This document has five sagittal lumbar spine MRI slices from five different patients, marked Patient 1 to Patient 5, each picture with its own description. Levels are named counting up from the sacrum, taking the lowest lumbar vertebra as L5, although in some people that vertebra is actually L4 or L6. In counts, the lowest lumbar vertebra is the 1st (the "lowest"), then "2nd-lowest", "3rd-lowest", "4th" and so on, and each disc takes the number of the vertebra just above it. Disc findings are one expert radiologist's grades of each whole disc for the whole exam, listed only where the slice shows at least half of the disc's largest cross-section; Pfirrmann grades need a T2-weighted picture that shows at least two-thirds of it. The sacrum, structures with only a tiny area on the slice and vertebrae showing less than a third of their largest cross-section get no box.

Patient 1 of 5:
T2-weighted sagittal MRI of the lumbar spine, Slice 13 of 22, Image 619x611

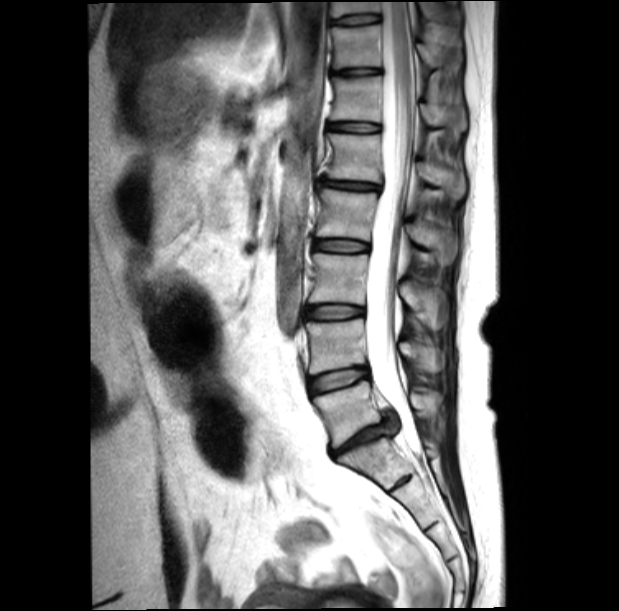
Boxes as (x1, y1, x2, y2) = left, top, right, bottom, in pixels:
IVD T11/T12: (334, 68, 379, 76).
L3/L4: (308, 305, 363, 319).
L2/L3: (314, 240, 368, 251).
T12: (331, 76, 467, 131).
T11: (331, 24, 462, 69).
IVD L5/S1: (333, 413, 399, 455).
Spinal canal: (365, 1, 420, 456).
T10 vertebra: (331, 1, 460, 24).
L1: (326, 133, 465, 198).
T12/L1: (329, 122, 379, 132).
IVD L4/L5: (310, 367, 368, 394).
L3 vertebra: (310, 253, 448, 329).
L5 vertebra: (313, 380, 439, 447).
T10/T11: (333, 14, 381, 25).
L4 vertebra: (306, 319, 444, 373).
L2 vertebra: (316, 188, 457, 259).
L1/L2: (321, 179, 378, 190).

Expert MSK radiologist gradings (per disc):
- T10/T11: Pfirrmann grade 2
- L5/S1: Pfirrmann grade 5, disc narrowing, disc herniation
- L2/L3: Pfirrmann grade 2
- T11/T12: Pfirrmann grade 2, upper-endplate change
- L4/L5: Pfirrmann grade 2, disc bulging
- T12/L1: Pfirrmann grade 2
- L3/L4: Pfirrmann grade 2
- L1/L2: Pfirrmann grade 1, disc narrowing, disc bulging

Patient 2 of 5:
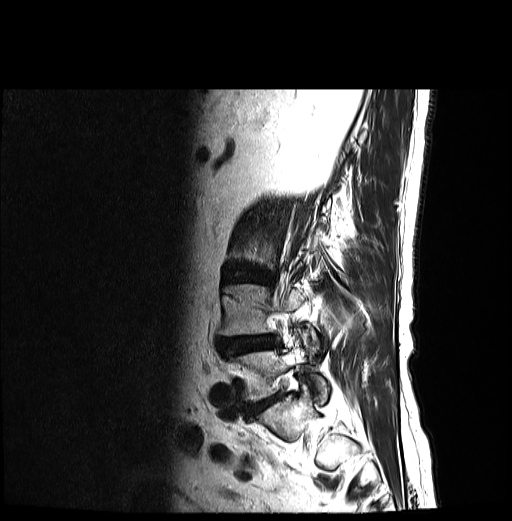
Lumbar spine MR, T2-weighted, sagittal | Slice 25 of 30
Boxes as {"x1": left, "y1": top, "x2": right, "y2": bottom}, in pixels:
Segmented structures:
• lowest disc: {"x1": 248, "y1": 395, "x2": 280, "y2": 415}
• 3rd-lowest disc: {"x1": 236, "y1": 273, "x2": 262, "y2": 280}
• lowest vertebra: {"x1": 234, "y1": 341, "x2": 329, "y2": 404}
• 2nd-lowest disc: {"x1": 219, "y1": 335, "x2": 279, "y2": 354}
• 2nd-lowest vertebra: {"x1": 219, "y1": 284, "x2": 303, "y2": 335}

Radiological gradings:
- 2nd-lowest disc: Pfirrmann grade 4, spondylolisthesis, upper-endplate change, Modic type II, disc herniation, disc narrowing, disc bulging, lower-endplate change

Patient 3 of 5:
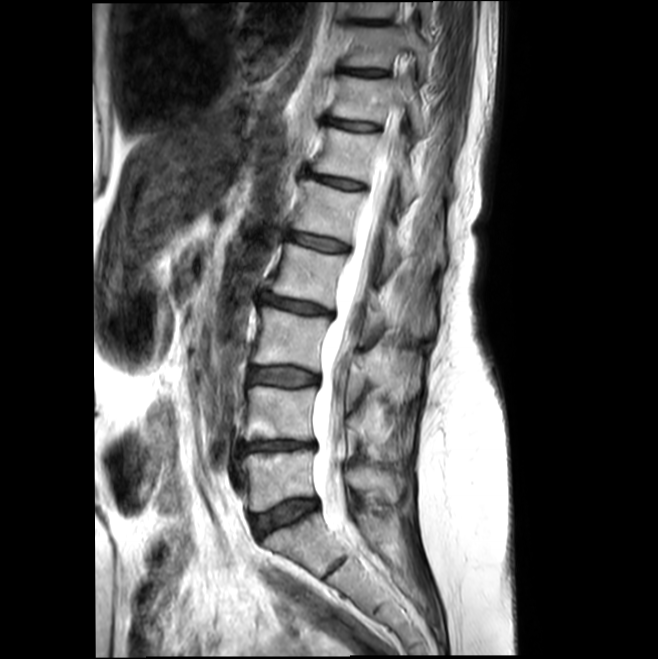 MRI lumbar spine (T2-weighted), sagittal plane | Field of view 308x308 mm, slice spacing 4.4 mm

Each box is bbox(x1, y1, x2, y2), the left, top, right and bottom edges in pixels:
• 3rd-lowest disc at bbox(250, 368, 319, 386)
• 5th disc at bbox(291, 233, 350, 251)
• 3rd-lowest vertebra at bbox(251, 306, 418, 396)
• 9th vertebra at bbox(355, 2, 432, 19)
• 7th vertebra at bbox(332, 76, 425, 136)
• 5th vertebra at bbox(293, 181, 442, 273)
• 4th disc at bbox(264, 293, 335, 318)
• 6th vertebra at bbox(314, 128, 417, 207)
• 8th disc at bbox(344, 70, 385, 76)
• thecal sac / spinal canal at bbox(312, 107, 401, 535)
• 4th vertebra at bbox(271, 244, 428, 336)
• 2nd-lowest vertebra at bbox(242, 386, 404, 457)
• 7th disc at bbox(328, 119, 380, 130)
• 6th disc at bbox(314, 175, 366, 190)
• 2nd-lowest disc at bbox(242, 441, 315, 450)
• lowest vertebra at bbox(241, 449, 401, 511)
• lowest disc at bbox(251, 499, 316, 537)
• 8th vertebra at bbox(344, 26, 427, 79)

Degenerative findings by level:
  5th disc: Pfirrmann grade 2
  6th disc: Pfirrmann grade 2
  2nd-lowest disc: Pfirrmann grade 3, disc bulging, Modic type II, upper-endplate change, lower-endplate change
  8th disc: Pfirrmann grade 2
  3rd-lowest disc: Pfirrmann grade 2, Modic type II, disc bulging
  7th disc: Pfirrmann grade 2
  lowest disc: Pfirrmann grade 2, disc bulging
  4th disc: Pfirrmann grade 2, disc bulging

Patient 4 of 5:
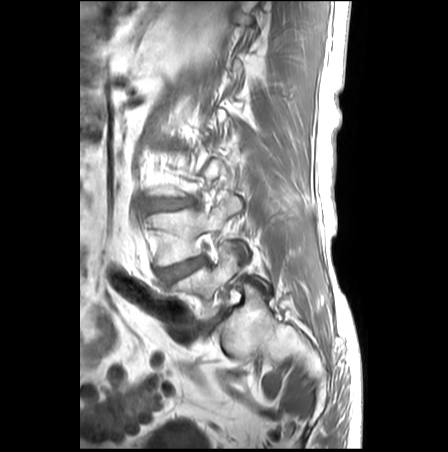 MRI lumbar spine (T1-weighted), sagittal plane, Sex M, Image 448x452
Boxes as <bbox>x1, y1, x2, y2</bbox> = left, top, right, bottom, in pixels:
Annotations:
- L5 vertebra = <bbox>172, 243, 270, 321</bbox>
- IVD L5/S1 = <bbox>202, 311, 225, 331</bbox>
- IVD L4/L5 = <bbox>159, 255, 206, 282</bbox>
- IVD L3/L4 = <bbox>149, 198, 193, 210</bbox>
- L4 = <bbox>148, 197, 249, 266</bbox>

Expert MSK radiologist gradings (per disc):
- L4/L5: disc bulging
- L3/L4: disc bulging, disc narrowing

Patient 5 of 5:
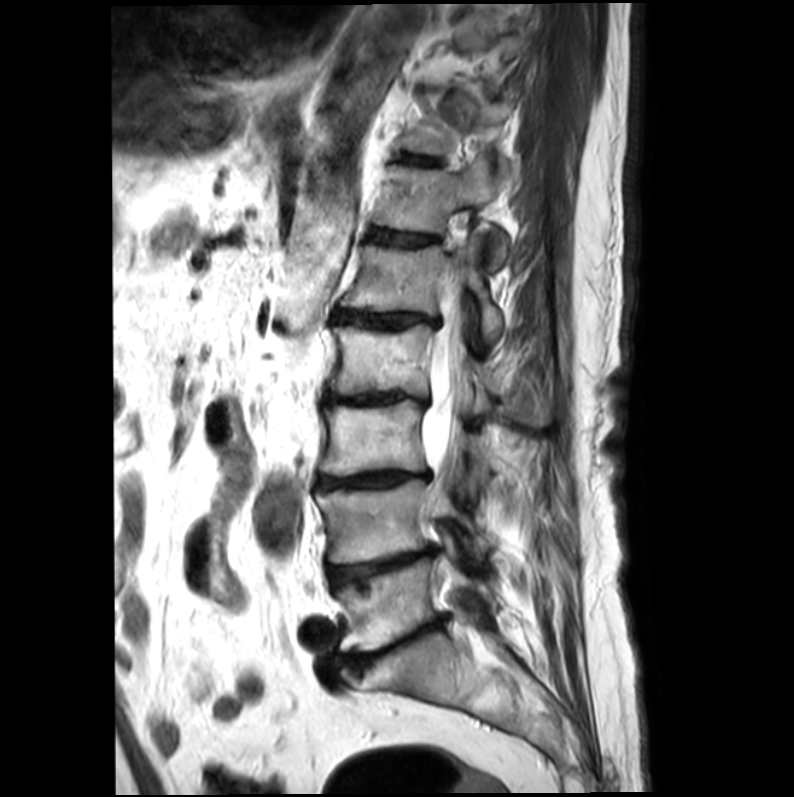 Lumbar spine MR, T2-weighted, sagittal; Slice 13/21; Slice spacing 4.4 mm

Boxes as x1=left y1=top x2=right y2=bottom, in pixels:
IVD T11/T12 (7th disc) = x1=401 y1=156 x2=435 y2=164.
L5 (lowest vertebra) = x1=337 y1=556 x2=495 y2=651.
T11 (7th vertebra) = x1=402 y1=100 x2=511 y2=166.
IVD T12/L1 (6th disc) = x1=369 y1=229 x2=435 y2=247.
L2 (4th vertebra) = x1=326 y1=323 x2=551 y2=426.
L2/L3 (4th disc) = x1=323 y1=393 x2=427 y2=408.
L3/L4 (3rd-lowest disc) = x1=315 y1=470 x2=427 y2=490.
T12 (6th vertebra) = x1=374 y1=156 x2=511 y2=268.
IVD L4/L5 (2nd-lowest disc) = x1=329 y1=548 x2=434 y2=587.
Spinal canal = x1=420 y1=294 x2=471 y2=489.
L3 (3rd-lowest vertebra) = x1=319 y1=399 x2=501 y2=480.
L5/S1 (lowest disc) = x1=346 y1=621 x2=438 y2=668.
L1 (5th vertebra) = x1=340 y1=231 x2=501 y2=340.
L4 (2nd-lowest vertebra) = x1=315 y1=478 x2=493 y2=563.
L1/L2 (5th disc) = x1=334 y1=311 x2=440 y2=329.

Degenerative findings by level:
• L4/L5 (2nd-lowest disc): upper-endplate change, disc narrowing, disc bulging, lower-endplate change, Modic type II
• L1/L2 (5th disc): Pfirrmann grade 4, upper-endplate change, lower-endplate change, disc bulging, disc narrowing, Modic type II
• L5/S1 (lowest disc): Pfirrmann grade 5, upper-endplate change, disc narrowing, Modic type II, lower-endplate change, disc bulging
• L3/L4 (3rd-lowest disc): Pfirrmann grade 5, Modic type II, lower-endplate change, upper-endplate change, disc narrowing, disc bulging
• L2/L3 (4th disc): Pfirrmann grade 5, upper-endplate change, Modic type II, disc narrowing, lower-endplate change, disc bulging
• T12/L1 (6th disc): no herniation, bulging, narrowing, spondylolisthesis, endplate or Modic change recorded